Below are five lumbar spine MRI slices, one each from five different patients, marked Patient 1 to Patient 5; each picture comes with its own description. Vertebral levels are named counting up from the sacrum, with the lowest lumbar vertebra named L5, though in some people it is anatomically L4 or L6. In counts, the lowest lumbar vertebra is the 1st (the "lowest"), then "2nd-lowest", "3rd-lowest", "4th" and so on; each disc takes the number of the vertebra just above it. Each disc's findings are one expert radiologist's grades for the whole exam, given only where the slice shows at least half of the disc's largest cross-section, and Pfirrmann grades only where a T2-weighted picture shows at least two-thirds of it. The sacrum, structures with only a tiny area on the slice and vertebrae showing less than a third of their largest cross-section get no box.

Patient 1 of 5:
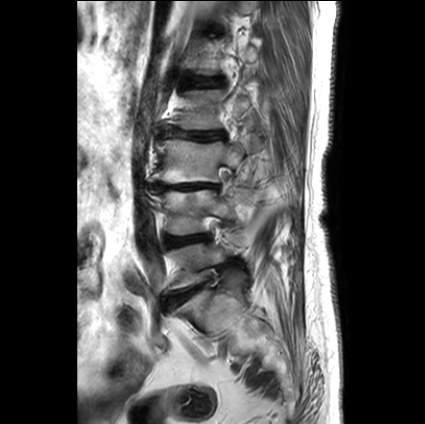
Image 425x424, Slice 7/27, T2-weighted sagittal MRI of the lumbar spine, Patient sex: F
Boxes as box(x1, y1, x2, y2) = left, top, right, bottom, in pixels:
3rd-lowest vertebra = box(152, 134, 259, 183).
3rd-lowest disc = box(153, 182, 218, 190).
4th disc = box(159, 127, 224, 139).
4th vertebra = box(166, 90, 249, 129).
2nd-lowest vertebra = box(152, 190, 232, 235).
2nd-lowest disc = box(165, 234, 208, 246).
5th disc = box(184, 75, 221, 87).
Lowest vertebra = box(168, 243, 226, 289).
Lowest disc = box(167, 284, 202, 306).

Per-level radiological findings:
  4th disc: Pfirrmann grade 1, disc narrowing, disc bulging, upper-endplate change, lower-endplate change
  5th disc: lower-endplate change, disc bulging, upper-endplate change
  2nd-lowest disc: disc bulging
  3rd-lowest disc: Pfirrmann grade 5, Modic type II, disc narrowing, disc bulging, lower-endplate change, upper-endplate change

Patient 2 of 5:
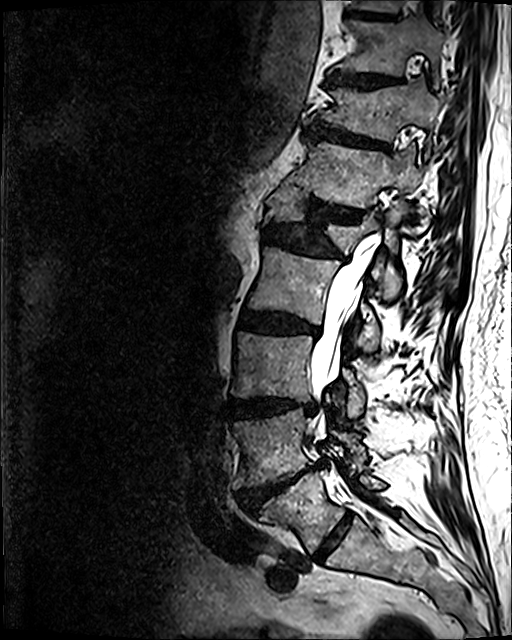
Sagittal T2 SPACE (3D) lumbar spine MRI; Slice 52/120
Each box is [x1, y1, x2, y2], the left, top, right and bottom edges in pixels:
3rd-lowest vertebra = [231, 331, 365, 415].
Thecal sac / spinal canal = [310, 236, 380, 486].
9th disc = [348, 12, 394, 19].
7th disc = [305, 123, 387, 149].
Lowest vertebra = [267, 472, 385, 554].
4th vertebra = [247, 247, 380, 349].
6th vertebra = [288, 138, 426, 237].
8th disc = [325, 73, 401, 87].
Lowest disc = [314, 512, 352, 562].
2nd-lowest vertebra = [233, 409, 366, 486].
6th disc = [301, 198, 363, 221].
2nd-lowest disc = [243, 463, 321, 512].
4th disc = [239, 312, 318, 334].
3rd-lowest disc = [231, 397, 315, 418].
7th vertebra = [308, 82, 438, 155].
5th vertebra = [264, 186, 403, 295].
5th disc = [264, 224, 343, 259].
8th vertebra = [336, 15, 445, 87].

Expert MSK radiologist gradings (per disc):
  2nd-lowest disc: Pfirrmann grade 5, disc narrowing, upper-endplate change, disc bulging, Modic type II, disc herniation, lower-endplate change
  5th disc: Pfirrmann grade 4, disc bulging, lower-endplate change, disc narrowing, upper-endplate change
  7th disc: Pfirrmann grade 4, upper-endplate change, lower-endplate change, disc narrowing, disc bulging
  4th disc: Pfirrmann grade 4, Modic type II, lower-endplate change, disc narrowing, upper-endplate change, disc bulging
  lowest disc: Pfirrmann grade 2
  3rd-lowest disc: Pfirrmann grade 4, disc bulging, upper-endplate change, lower-endplate change, disc narrowing
  8th disc: Pfirrmann grade 4, disc bulging, lower-endplate change, upper-endplate change
  6th disc: Pfirrmann grade 4, lower-endplate change, upper-endplate change, disc narrowing, disc bulging

Patient 3 of 5:
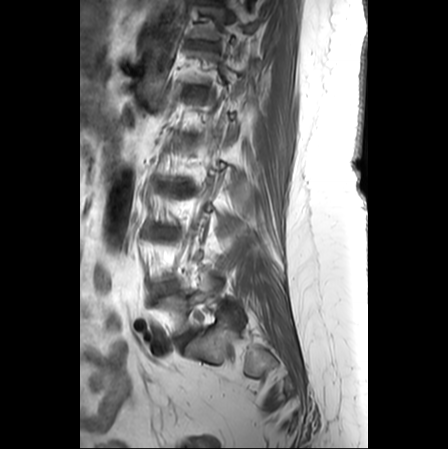

Sex F, Lumbar spine MR, T1-weighted, sagittal

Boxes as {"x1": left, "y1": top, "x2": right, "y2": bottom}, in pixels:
intervertebral disc L5/S1 (lowest disc): {"x1": 176, "y1": 329, "x2": 197, "y2": 348}
intervertebral disc T11/T12 (7th disc): {"x1": 189, "y1": 40, "x2": 212, "y2": 47}
T11 (7th vertebra): {"x1": 190, "y1": 7, "x2": 257, "y2": 39}
L4/L5 (2nd-lowest disc): {"x1": 153, "y1": 281, "x2": 178, "y2": 296}
L5 (lowest vertebra): {"x1": 157, "y1": 275, "x2": 244, "y2": 336}

Patient 4 of 5:
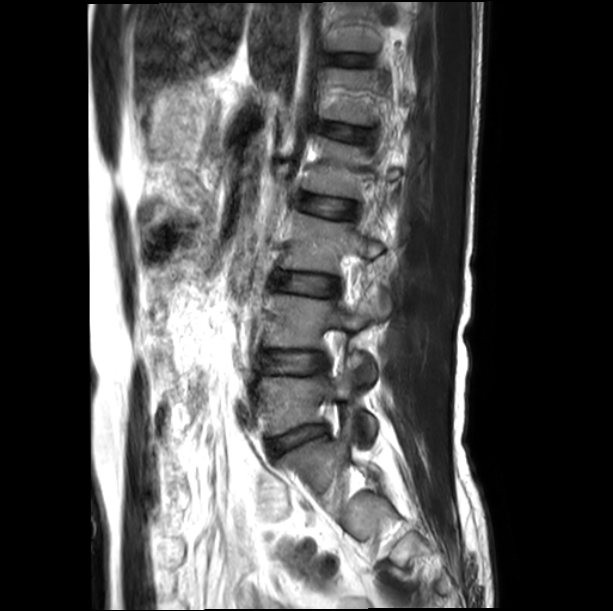 Lumbar spine MR, T2-weighted, sagittal | Sex M | 613x611 px

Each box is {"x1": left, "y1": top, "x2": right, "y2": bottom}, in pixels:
Annotations:
* 3rd-lowest vertebra: {"x1": 281, "y1": 212, "x2": 381, "y2": 274}
* 4th vertebra: {"x1": 302, "y1": 137, "x2": 399, "y2": 198}
* lowest disc: {"x1": 269, "y1": 426, "x2": 326, "y2": 454}
* lowest vertebra: {"x1": 255, "y1": 368, "x2": 375, "y2": 437}
* 4th disc: {"x1": 300, "y1": 195, "x2": 354, "y2": 218}
* 2nd-lowest disc: {"x1": 259, "y1": 353, "x2": 325, "y2": 374}
* 6th disc: {"x1": 337, "y1": 56, "x2": 361, "y2": 64}
* 5th disc: {"x1": 323, "y1": 124, "x2": 366, "y2": 140}
* 3rd-lowest disc: {"x1": 277, "y1": 272, "x2": 338, "y2": 295}
* 2nd-lowest vertebra: {"x1": 265, "y1": 294, "x2": 387, "y2": 379}

Radiological gradings:
• 2nd-lowest disc: Pfirrmann grade 1
• 4th disc: Pfirrmann grade 1
• 3rd-lowest disc: Pfirrmann grade 1
• lowest disc: disc narrowing, disc bulging
• 5th disc: no spondylolisthesis, narrowing, bulging, herniation, Modic or endplate change recorded

Patient 5 of 5:
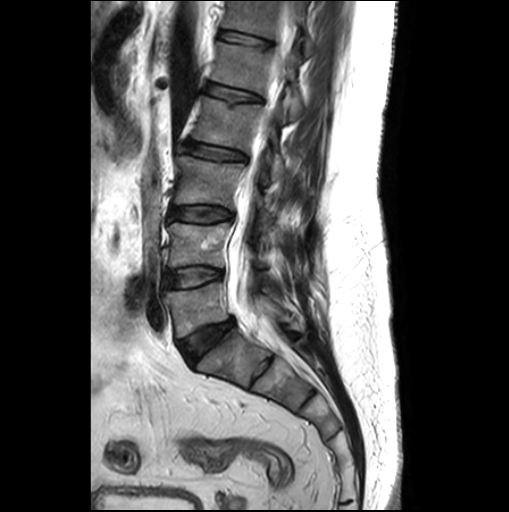
Image 509x512 | Lumbar spine MR, T2-weighted, sagittal | Slice 11 of 26

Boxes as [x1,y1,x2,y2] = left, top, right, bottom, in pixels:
Lowest disc at [179,319,233,363], 6th disc at [220,31,269,45], 3rd-lowest vertebra at [174,156,272,231], spinal canal at [231,1,297,321], 5th vertebra at [212,43,302,119], lowest vertebra at [165,282,289,337], 4th disc at [183,143,245,159], 5th disc at [207,83,260,100], 2nd-lowest vertebra at [168,222,266,284], 2nd-lowest disc at [165,267,222,287], 4th vertebra at [192,97,284,180], 3rd-lowest disc at [169,206,232,221], 6th vertebra at [223,1,311,53].

Per-level radiological findings:
- 2nd-lowest disc: Pfirrmann grade 1
- lowest disc: Pfirrmann grade 3, disc bulging
- 5th disc: Pfirrmann grade 1, upper-endplate change, lower-endplate change
- 6th disc: Pfirrmann grade 1
- 3rd-lowest disc: Pfirrmann grade 1
- 4th disc: Pfirrmann grade 1, upper-endplate change, disc bulging, lower-endplate change